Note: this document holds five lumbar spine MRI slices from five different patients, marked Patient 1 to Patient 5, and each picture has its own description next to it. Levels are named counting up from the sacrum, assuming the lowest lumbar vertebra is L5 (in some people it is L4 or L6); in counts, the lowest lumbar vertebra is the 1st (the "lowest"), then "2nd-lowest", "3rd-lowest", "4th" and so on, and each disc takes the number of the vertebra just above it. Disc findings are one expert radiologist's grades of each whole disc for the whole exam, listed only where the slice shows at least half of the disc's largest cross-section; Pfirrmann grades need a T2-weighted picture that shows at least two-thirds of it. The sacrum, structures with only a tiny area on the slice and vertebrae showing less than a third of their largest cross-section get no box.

Patient 1 of 5:
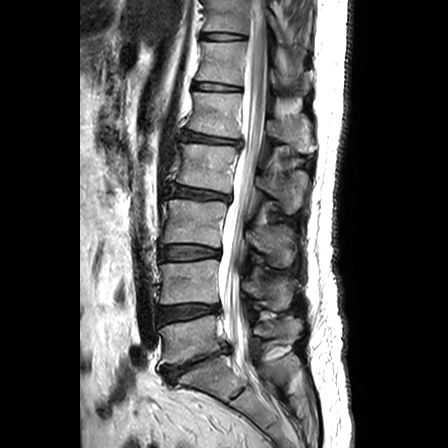

Patient sex: M; Field of view 280x280 mm; T2-weighted sagittal MRI of the lumbar spine
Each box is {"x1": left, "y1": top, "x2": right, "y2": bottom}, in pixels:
- 5th disc — {"x1": 184, "y1": 132, "x2": 237, "y2": 143}
- 3rd-lowest vertebra — {"x1": 162, "y1": 199, "x2": 294, "y2": 267}
- 5th vertebra — {"x1": 189, "y1": 92, "x2": 312, "y2": 152}
- 7th vertebra — {"x1": 205, "y1": 0, "x2": 283, "y2": 42}
- 6th disc — {"x1": 194, "y1": 82, "x2": 237, "y2": 90}
- 7th disc — {"x1": 202, "y1": 33, "x2": 242, "y2": 39}
- 2nd-lowest disc — {"x1": 159, "y1": 304, "x2": 218, "y2": 322}
- lowest disc — {"x1": 162, "y1": 345, "x2": 227, "y2": 381}
- 4th vertebra — {"x1": 177, "y1": 144, "x2": 306, "y2": 213}
- thecal sac / spinal canal — {"x1": 220, "y1": 0, "x2": 267, "y2": 379}
- 4th disc — {"x1": 170, "y1": 186, "x2": 229, "y2": 200}
- 3rd-lowest disc — {"x1": 161, "y1": 246, "x2": 219, "y2": 259}
- lowest vertebra — {"x1": 159, "y1": 315, "x2": 302, "y2": 366}
- 2nd-lowest vertebra — {"x1": 160, "y1": 259, "x2": 292, "y2": 310}
- 6th vertebra — {"x1": 197, "y1": 42, "x2": 309, "y2": 92}

Degenerative findings by level:
• 2nd-lowest disc: Pfirrmann grade 3, disc narrowing, disc bulging
• 6th disc: Pfirrmann grade 1
• lowest disc: Pfirrmann grade 5, Modic type II, disc bulging, disc herniation, lower-endplate change, upper-endplate change, spondylolisthesis, disc narrowing
• 4th disc: Pfirrmann grade 3, disc bulging
• 5th disc: Pfirrmann grade 3, upper-endplate change, Modic type II, lower-endplate change, disc bulging
• 7th disc: Pfirrmann grade 1
• 3rd-lowest disc: Pfirrmann grade 2, disc bulging

Patient 2 of 5:
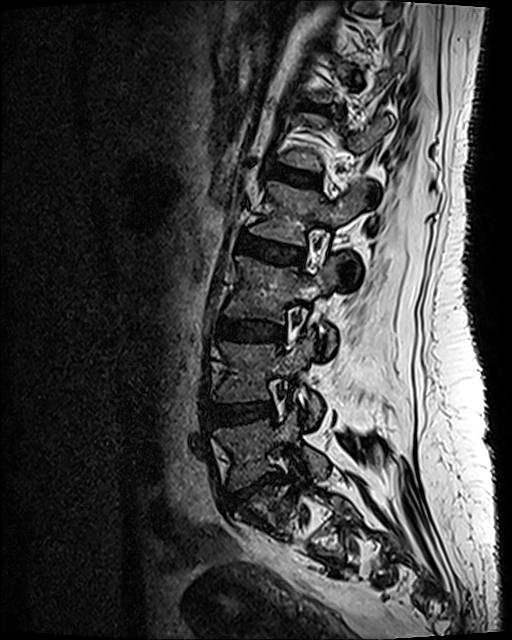 Slice spacing 0.9 mm | Patient sex: F | Sagittal T2 SPACE (3D) lumbar spine MRI
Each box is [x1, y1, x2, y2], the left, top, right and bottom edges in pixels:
{"L4": "[214, 336, 320, 425]", "L5": "[215, 409, 329, 488]", "L3/L4": "[216, 318, 283, 341]", "IVD L2/L3": "[239, 236, 301, 263]", "L3 vertebra": "[225, 256, 336, 353]", "L2 vertebra": "[251, 181, 364, 244]", "T12/L1": "[305, 104, 323, 110]", "IVD L1/L2": "[263, 164, 320, 188]", "IVD L5/S1": "[240, 475, 279, 495]", "IVD L4/L5": "[211, 402, 273, 424]"}

Radiological gradings:
  L2/L3: Pfirrmann grade 3, disc bulging
  L4/L5: disc bulging
  L3/L4: Pfirrmann grade 3
  L1/L2: no Modic or endplate change, herniation, narrowing, bulging or spondylolisthesis recorded

Patient 3 of 5:
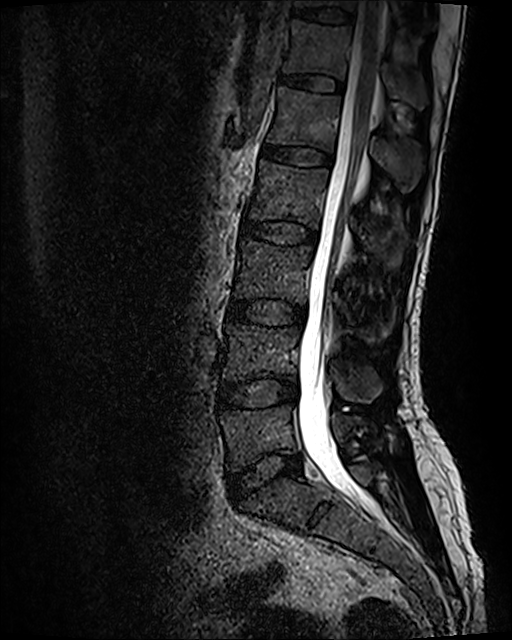 T2 SPACE (3D) sagittal MRI of the lumbar spine. Slice 59/120.
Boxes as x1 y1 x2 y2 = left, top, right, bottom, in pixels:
* IVD L5/S1: 228 450 301 499
* L3 vertebra: 234 237 391 343
* IVD T11/T12: 292 7 354 23
* T11: 295 0 432 29
* L4/L5: 219 377 297 409
* L3/L4: 227 299 305 325
* IVD L1/L2: 261 144 331 165
* L2 vertebra: 249 159 406 269
* L5: 220 405 363 471
* thecal sac / spinal canal: 299 1 384 515
* T12: 283 19 425 108
* T12/L1: 281 75 344 92
* L4 vertebra: 222 324 382 401
* L2/L3: 242 220 316 245
* L1: 267 86 422 191

Degenerative findings by level:
  L1/L2: Pfirrmann grade 2
  T12/L1: Pfirrmann grade 2
  L5/S1: Pfirrmann grade 2, disc bulging
  L4/L5: Pfirrmann grade 2, disc bulging
  L3/L4: Pfirrmann grade 2, disc bulging
  L2/L3: Pfirrmann grade 2
  T11/T12: Pfirrmann grade 2

Patient 4 of 5:
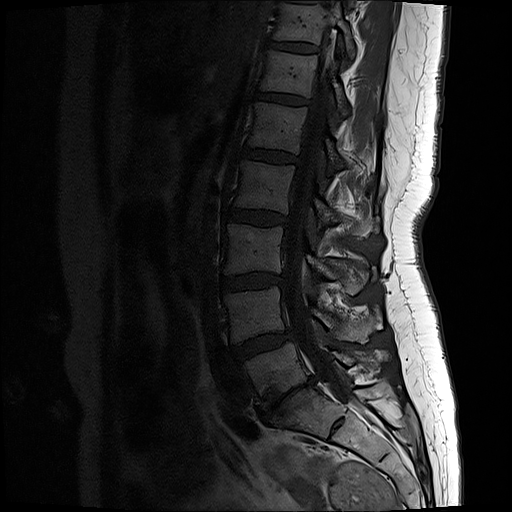
Patient sex: F, Image 512x512, T1-weighted sagittal MRI of the lumbar spine

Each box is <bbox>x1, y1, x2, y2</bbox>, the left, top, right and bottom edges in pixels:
L2/L3 at <bbox>227, 208, 287, 224</bbox>, T12/L1 at <bbox>257, 91, 307, 105</bbox>, L1 vertebra at <bbox>249, 102, 342, 170</bbox>, T11 at <bbox>273, 5, 354, 54</bbox>, L5 vertebra at <bbox>244, 341, 353, 406</bbox>, T12 vertebra at <bbox>261, 50, 348, 113</bbox>, L2 vertebra at <bbox>235, 162, 371, 238</bbox>, IVD L4/L5 at <bbox>233, 330, 291, 361</bbox>, L3 vertebra at <bbox>225, 225, 358, 293</bbox>, IVD L3/L4 at <bbox>221, 273, 282, 290</bbox>, L1/L2 at <bbox>243, 147, 298, 163</bbox>, thecal sac / spinal canal at <bbox>283, 34, 362, 405</bbox>, T11/T12 at <bbox>267, 40, 317, 50</bbox>, L4 vertebra at <bbox>225, 286, 369, 341</bbox>, IVD L5/S1 at <bbox>259, 378, 314, 419</bbox>.

Per-level radiological findings:
- L5/S1: disc herniation, disc bulging, lower-endplate change, upper-endplate change, Modic type III, disc narrowing
- L3/L4: disc bulging
- L4/L5: disc bulging
- L2/L3, T11/T12, L1/L2, T12/L1: no Modic or endplate change, herniation, narrowing, bulging or spondylolisthesis recorded

Patient 5 of 5:
Slice 8 of 27. Slice spacing 3.3 mm. Sagittal T2-weighted lumbar spine MRI. 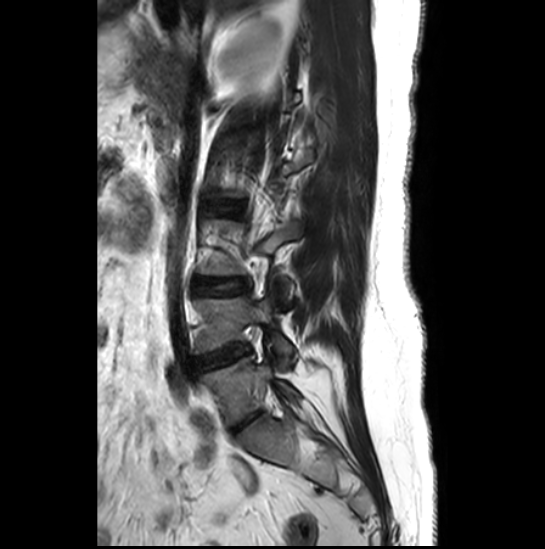
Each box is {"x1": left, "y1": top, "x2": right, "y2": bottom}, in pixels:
Segmented structures:
- L5 = {"x1": 202, "y1": 357, "x2": 299, "y2": 424}
- L4 vertebra = {"x1": 196, "y1": 297, "x2": 293, "y2": 368}
- disc L4/L5 = {"x1": 197, "y1": 345, "x2": 248, "y2": 369}
- L3/L4 = {"x1": 195, "y1": 278, "x2": 246, "y2": 295}
- L5/S1 = {"x1": 234, "y1": 412, "x2": 261, "y2": 430}
- disc L2/L3 = {"x1": 206, "y1": 201, "x2": 240, "y2": 214}

Per-level radiological findings:
  L4/L5: disc narrowing, Modic type II, lower-endplate change, disc herniation, upper-endplate change
  L3/L4: no spondylolisthesis, narrowing, bulging, herniation, Modic or endplate change recorded